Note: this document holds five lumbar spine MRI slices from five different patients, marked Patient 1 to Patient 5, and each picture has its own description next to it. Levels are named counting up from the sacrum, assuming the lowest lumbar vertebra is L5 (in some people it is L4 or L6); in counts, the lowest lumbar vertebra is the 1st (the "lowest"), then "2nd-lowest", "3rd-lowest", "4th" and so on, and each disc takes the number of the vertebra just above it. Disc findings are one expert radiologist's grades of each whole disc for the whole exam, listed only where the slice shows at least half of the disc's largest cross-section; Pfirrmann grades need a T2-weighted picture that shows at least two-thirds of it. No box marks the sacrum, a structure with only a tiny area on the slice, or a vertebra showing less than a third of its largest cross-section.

Patient 1 of 5:
T1-weighted sagittal MRI of the lumbar spine. 477x478 px.
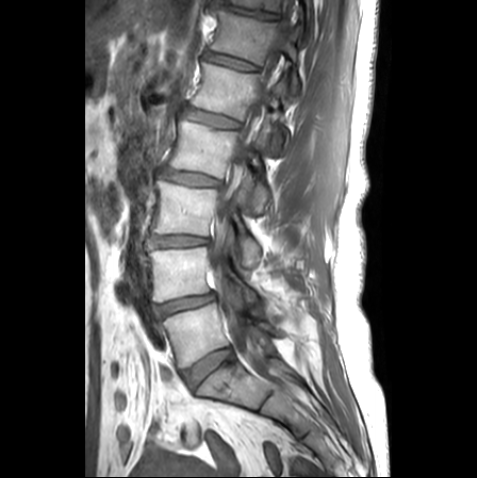

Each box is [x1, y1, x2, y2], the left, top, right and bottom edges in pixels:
T11 vertebra at [221, 0, 309, 10], intervertebral disc L4/L5 at [154, 293, 214, 318], L4 at [150, 247, 259, 305], L5 at [163, 303, 269, 367], L2/L3 at [163, 168, 219, 186], T12/L1 at [205, 52, 257, 71], L3 vertebra at [154, 177, 261, 266], L5/S1 at [183, 348, 232, 387], thecal sac / spinal canal at [208, 0, 297, 389], intervertebral disc L1/L2 at [184, 107, 239, 128], T12 vertebra at [212, 10, 298, 93], L3/L4 at [149, 236, 207, 247], intervertebral disc T11/T12 at [212, 3, 277, 19], L2 at [170, 119, 267, 210], L1 at [193, 62, 284, 119].

Per-level radiological findings:
• L1/L2: lower-endplate change, upper-endplate change
• L2/L3: upper-endplate change, disc bulging, lower-endplate change
• T12/L1: upper-endplate change, lower-endplate change
• L4/L5: disc narrowing, upper-endplate change, disc bulging, lower-endplate change
• T11/T12: disc narrowing, lower-endplate change, upper-endplate change
• L3/L4: disc bulging, disc narrowing
• L5/S1: no spondylolisthesis, narrowing, bulging, herniation, Modic or endplate change recorded

Patient 2 of 5:
Sagittal slice index 3. MRI lumbar spine (T1-weighted), sagittal plane. Image 320x320. Slice spacing 4.8 mm.
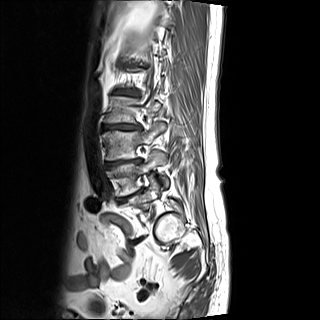
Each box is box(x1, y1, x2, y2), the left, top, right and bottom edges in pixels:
Structures:
• L2 vertebra: box(105, 96, 160, 122)
• L3/L4: box(107, 159, 138, 167)
• L5: box(128, 175, 160, 209)
• IVD L2/L3: box(103, 124, 140, 130)
• L3: box(103, 123, 165, 160)
• IVD L1/L2: box(114, 89, 136, 95)
• L4: box(112, 151, 168, 195)

Per-level radiological findings:
  L2/L3: Modic type II, upper-endplate change, disc narrowing, disc bulging, lower-endplate change
  L3/L4: disc narrowing, lower-endplate change, upper-endplate change, Modic type II, disc bulging

Patient 3 of 5:
MRI lumbar spine (T2 SPACE (3D)), sagittal plane 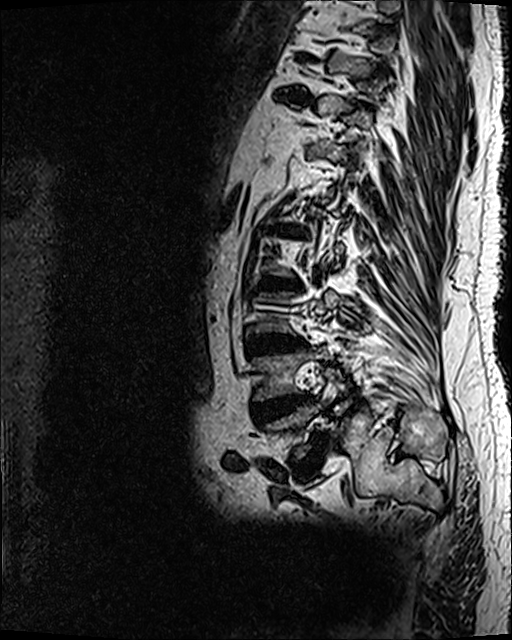 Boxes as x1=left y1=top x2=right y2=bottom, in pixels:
IVD L2/L3 (4th disc): x1=258 y1=275 x2=301 y2=290.
IVD L1/L2 (5th disc): x1=267 y1=223 x2=309 y2=236.
L4 (2nd-lowest vertebra): x1=251 y1=346 x2=334 y2=401.
L3/L4 (3rd-lowest disc): x1=247 y1=334 x2=303 y2=355.
L5 (lowest vertebra): x1=262 y1=381 x2=337 y2=458.
L4/L5 (2nd-lowest disc): x1=252 y1=395 x2=311 y2=425.
T10/T11 (8th disc): x1=272 y1=89 x2=312 y2=104.
IVD L5/S1 (lowest disc): x1=293 y1=436 x2=327 y2=480.

Expert MSK radiologist gradings (per disc):
• L5/S1 (lowest disc): Pfirrmann grade 5, disc narrowing, Modic type II, upper-endplate change, spondylolisthesis, lower-endplate change, disc bulging
• L3/L4 (3rd-lowest disc): Pfirrmann grade 5, Modic type II, disc bulging, lower-endplate change, upper-endplate change, disc narrowing
• L4/L5 (2nd-lowest disc): Modic type II, upper-endplate change, lower-endplate change, disc narrowing, disc bulging

Patient 4 of 5:
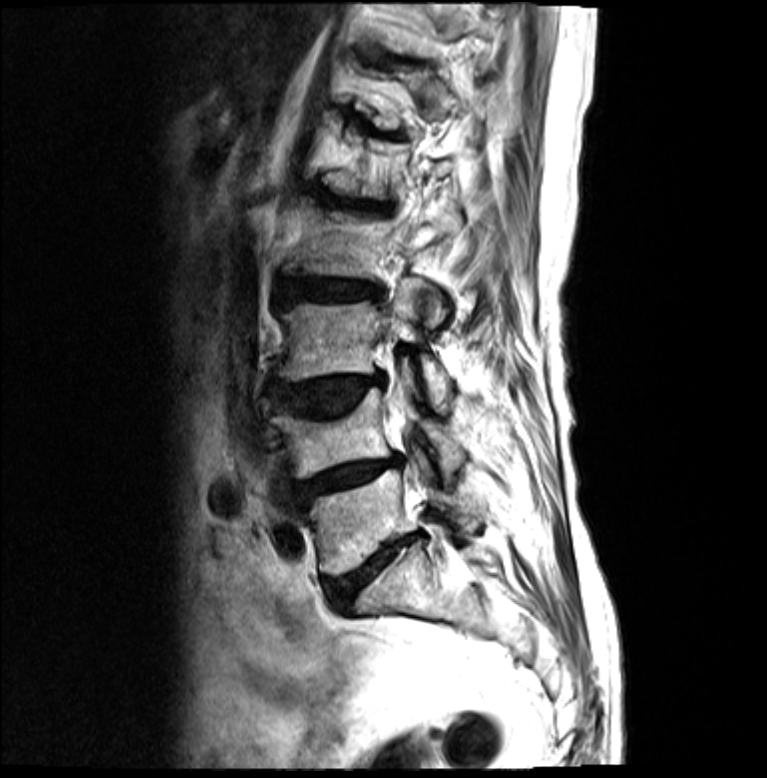

Sagittal slice index 6. Slice spacing 4.8 mm. Sagittal T2-weighted lumbar spine MRI.
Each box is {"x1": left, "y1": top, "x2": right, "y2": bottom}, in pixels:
3rd-lowest disc at {"x1": 274, "y1": 372, "x2": 384, "y2": 416}, 2nd-lowest vertebra at {"x1": 270, "y1": 365, "x2": 464, "y2": 478}, 3rd-lowest vertebra at {"x1": 276, "y1": 279, "x2": 450, "y2": 409}, lowest disc at {"x1": 325, "y1": 532, "x2": 422, "y2": 609}, 4th disc at {"x1": 278, "y1": 276, "x2": 376, "y2": 307}, lowest vertebra at {"x1": 293, "y1": 449, "x2": 486, "y2": 574}, 2nd-lowest disc at {"x1": 290, "y1": 456, "x2": 402, "y2": 507}.

Expert MSK radiologist gradings (per disc):
• 3rd-lowest disc: Pfirrmann grade 4, disc bulging, lower-endplate change, upper-endplate change, Modic type II
• lowest disc: Pfirrmann grade 5, upper-endplate change, disc bulging, disc narrowing, lower-endplate change, Modic type II
• 2nd-lowest disc: Pfirrmann grade 4, disc bulging, lower-endplate change, Modic type II, upper-endplate change, disc narrowing
• 4th disc: Pfirrmann grade 4, upper-endplate change, disc narrowing, disc bulging, lower-endplate change, Modic type II

Patient 5 of 5:
Scanner: Philips Medical Systems Ingenia (1.5T); Sagittal slice index 16; T2-weighted sagittal MRI of the lumbar spine; Image 658x661 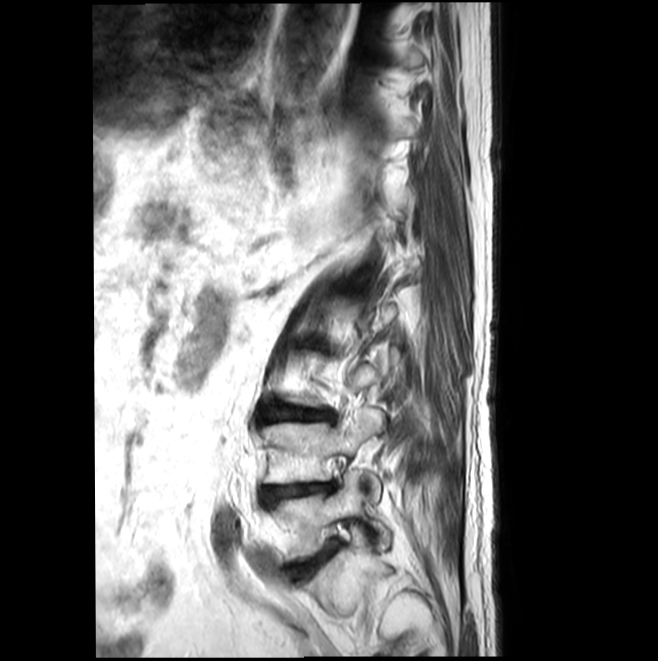
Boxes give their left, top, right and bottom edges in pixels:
2nd-lowest vertebra — left=262, top=409, right=383, bottom=501.
2nd-lowest disc — left=260, top=482, right=335, bottom=504.
3rd-lowest disc — left=270, top=410, right=332, bottom=421.
Lowest vertebra — left=274, top=471, right=390, bottom=562.
Lowest disc — left=296, top=549, right=332, bottom=574.

Degenerative findings by level:
- 2nd-lowest disc: Pfirrmann grade 5, lower-endplate change, Modic type II, upper-endplate change, disc narrowing, disc bulging
- 3rd-lowest disc: Modic type II, disc bulging, disc narrowing, upper-endplate change, lower-endplate change